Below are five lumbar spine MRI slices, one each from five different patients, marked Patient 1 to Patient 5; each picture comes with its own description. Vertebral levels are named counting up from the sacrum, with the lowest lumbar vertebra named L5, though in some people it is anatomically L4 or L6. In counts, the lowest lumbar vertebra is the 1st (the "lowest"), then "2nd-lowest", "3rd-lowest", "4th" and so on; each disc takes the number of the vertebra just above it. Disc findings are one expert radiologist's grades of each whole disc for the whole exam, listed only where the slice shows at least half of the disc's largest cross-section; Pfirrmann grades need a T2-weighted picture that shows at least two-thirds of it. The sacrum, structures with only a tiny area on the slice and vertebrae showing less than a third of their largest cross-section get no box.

Patient 1 of 5:
Sex F; Field of view 280x282 mm; Slice 20/27; T1-weighted sagittal MRI of the lumbar spine 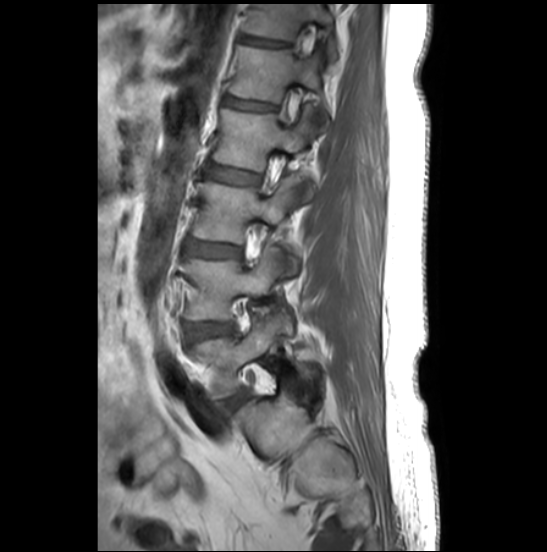 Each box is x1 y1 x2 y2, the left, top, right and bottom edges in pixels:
Intervertebral disc L4/L5 at 186 324 229 338, L4 at 186 247 282 319, L5/S1 at 225 390 245 409, T12 vertebra at 242 3 336 63, T12/L1 at 239 36 289 47, intervertebral disc L2/L3 at 205 165 257 184, L5 vertebra at 191 314 285 398, L1 vertebra at 228 45 325 120, L3/L4 at 191 244 238 257, L1/L2 at 224 97 274 110, L3 at 192 177 297 274, L2 vertebra at 213 108 328 206.

Radiological gradings:
• T12/L1: upper-endplate change, lower-endplate change
• L3/L4: disc bulging
• L1/L2: upper-endplate change
• L2/L3: no Modic or endplate change, herniation, narrowing, bulging or spondylolisthesis recorded

Patient 2 of 5:
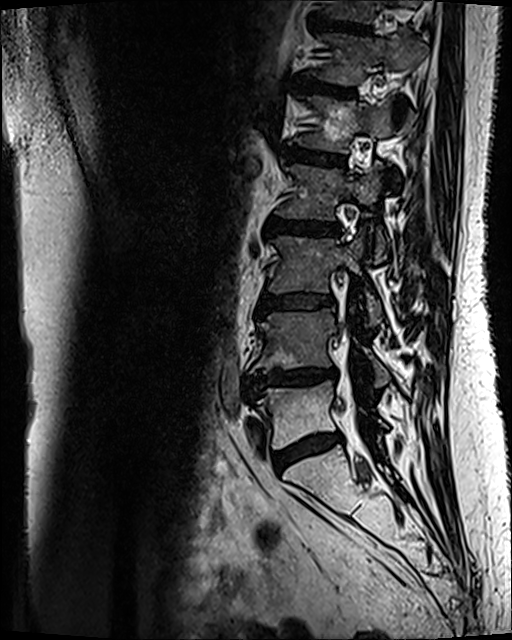

Slice 50 of 120 | 512x640 px | T2 SPACE (3D) sagittal MRI of the lumbar spine

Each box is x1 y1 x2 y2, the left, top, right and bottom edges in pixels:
Annotations:
• spinal canal: 338 328 347 344
• L4 vertebra: 249 310 389 387
• T11/T12: 313 17 369 33
• IVD L5/S1: 273 434 342 472
• L2: 276 166 386 262
• T12 vertebra: 317 29 425 84
• L2/L3: 268 217 340 236
• L4/L5: 244 368 336 396
• L3 vertebra: 269 231 381 325
• T12/L1: 300 79 352 96
• IVD L3/L4: 260 295 333 311
• L5: 252 381 384 448
• L1: 297 95 394 152
• IVD L1/L2: 287 149 343 166

Expert MSK radiologist gradings (per disc):
- T12/L1: Pfirrmann grade 3, Modic type II
- L1/L2: Modic type II
- L3/L4: Pfirrmann grade 3, disc bulging, Modic type II
- L5/S1: Pfirrmann grade 3, Modic type II, disc bulging
- T11/T12: upper-endplate change, lower-endplate change, Modic type II
- L4/L5: Pfirrmann grade 4, Modic type II, disc bulging, disc narrowing, lower-endplate change, upper-endplate change
- L2/L3: Pfirrmann grade 3, disc bulging, Modic type II

Patient 3 of 5:
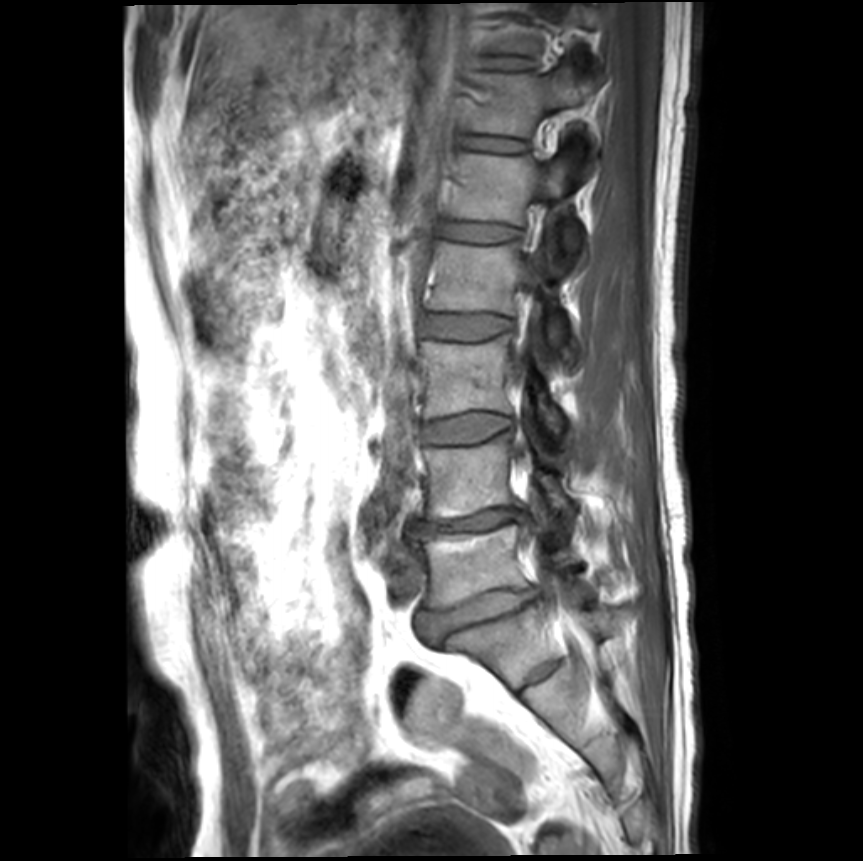
Image 863x861, Patient sex: M, Slice 9/21, MRI lumbar spine (T1-weighted), sagittal plane

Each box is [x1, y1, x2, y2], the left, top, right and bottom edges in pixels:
L1 vertebra at [447, 152, 577, 250], intervertebral disc L4/L5 at [412, 507, 525, 534], L4 vertebra at [422, 433, 577, 519], T11/T12 at [484, 57, 526, 68], L3 vertebra at [420, 335, 562, 432], L5 at [410, 524, 575, 608], L2 vertebra at [423, 241, 567, 344], T12 at [469, 64, 595, 136], L3/L4 at [422, 413, 511, 442], intervertebral disc L1/L2 at [440, 219, 518, 240], L2/L3 at [422, 313, 511, 339], intervertebral disc T12/L1 at [462, 136, 525, 152], intervertebral disc L5/S1 at [415, 589, 535, 645].

Expert MSK radiologist gradings (per disc):
  L5/S1: lower-endplate change, disc narrowing, disc bulging, spondylolisthesis, upper-endplate change
  L4/L5: Modic type II, upper-endplate change, disc narrowing, lower-endplate change, disc bulging
  T12/L1, L3/L4, L1/L2, L2/L3: no herniation, bulging, narrowing, spondylolisthesis, endplate or Modic change recorded

Patient 4 of 5:
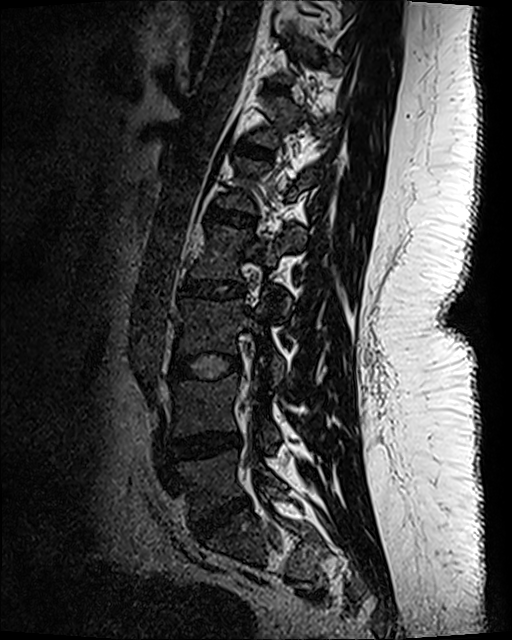 Slice 42 of 120 | Sex F | MRI lumbar spine (T2 SPACE (3D)), sagittal plane
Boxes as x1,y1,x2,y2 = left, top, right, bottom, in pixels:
T12/L1: 235,140,272,160
disc L3/L4: 169,353,239,381
L2/L3: 179,275,246,298
T12: 248,96,338,148
L4/L5: 172,432,239,459
disc L5/S1: 193,497,249,538
L1/L2: 204,204,257,229
L4: 171,374,280,441
L3: 179,294,284,380
L5: 178,451,284,517
T11/T12: 266,84,288,94
L2 vertebra: 192,224,303,311

Radiological gradings:
  L2/L3: Pfirrmann grade 1
  L4/L5: Pfirrmann grade 3, disc bulging, disc narrowing
  L5/S1: Pfirrmann grade 4, disc bulging, disc narrowing
  L3/L4: Pfirrmann grade 1
  L1/L2: no spondylolisthesis, narrowing, bulging, herniation, Modic or endplate change recorded

Patient 5 of 5:
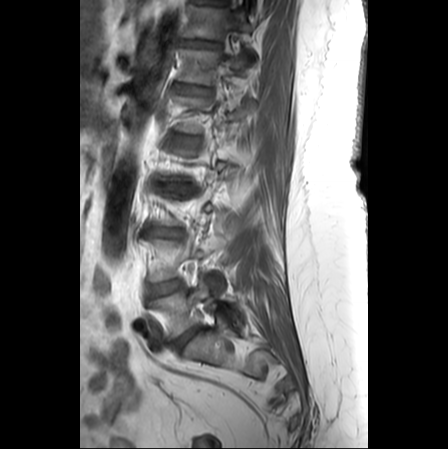

Slice spacing 3.3 mm. Sagittal slice index 17. T1-weighted sagittal MRI of the lumbar spine. Patient sex: F. 448x449 px.

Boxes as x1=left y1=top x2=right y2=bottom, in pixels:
{"L5/S1": "x1=173 y1=327 x2=199 y2=350", "L4": "x1=150 y1=236 x2=225 y2=288", "L5": "x1=149 y1=278 x2=241 y2=338", "intervertebral disc T11/T12": "x1=182 y1=39 x2=218 y2=46", "T12 vertebra": "x1=178 y1=49 x2=249 y2=84", "L3/L4": "x1=153 y1=228 x2=179 y2=236", "L1 vertebra": "x1=174 y1=96 x2=257 y2=133", "T12/L1": "x1=178 y1=84 x2=209 y2=94", "T11 vertebra": "x1=184 y1=5 x2=251 y2=39", "intervertebral disc L2/L3": "x1=161 y1=184 x2=191 y2=192", "intervertebral disc L4/L5": "x1=148 y1=279 x2=181 y2=298", "L1/L2": "x1=176 y1=136 x2=195 y2=144"}

Radiological gradings:
  T11/T12: upper-endplate change
  L2/L3: disc herniation, Modic type II, disc narrowing, lower-endplate change, upper-endplate change
  T12/L1: upper-endplate change
  L4/L5: Modic type II, lower-endplate change, upper-endplate change, disc bulging